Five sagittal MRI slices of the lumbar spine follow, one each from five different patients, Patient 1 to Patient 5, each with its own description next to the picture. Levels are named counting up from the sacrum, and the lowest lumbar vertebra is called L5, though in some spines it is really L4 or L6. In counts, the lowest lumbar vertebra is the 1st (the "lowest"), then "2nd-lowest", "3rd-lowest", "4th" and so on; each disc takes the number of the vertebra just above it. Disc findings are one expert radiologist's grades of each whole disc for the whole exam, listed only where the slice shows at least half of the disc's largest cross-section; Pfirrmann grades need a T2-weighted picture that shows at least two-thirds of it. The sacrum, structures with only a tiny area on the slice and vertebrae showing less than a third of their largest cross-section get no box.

Patient 1 of 5:
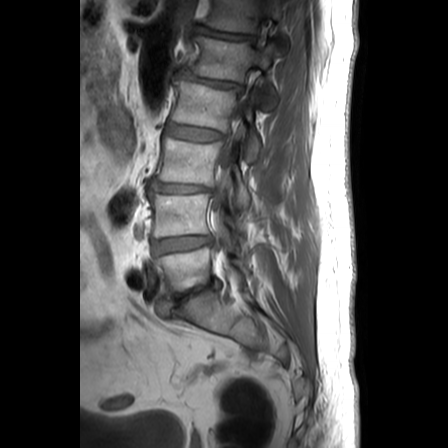 Lumbar spine MR, T1-weighted, sagittal. Sagittal slice index 15. Image 448x448.
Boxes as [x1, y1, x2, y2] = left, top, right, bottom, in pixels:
Structures:
* L5 = [154, 246, 249, 298]
* L4 vertebra = [149, 193, 241, 238]
* disc L2/L3 = [165, 124, 222, 140]
* disc L3/L4 = [151, 180, 212, 192]
* disc L1/L2 = [180, 71, 241, 90]
* L3 vertebra = [156, 137, 249, 211]
* disc L4/L5 = [151, 236, 210, 254]
* L1 = [189, 36, 276, 109]
* spinal canal = [210, 149, 230, 239]
* L2 = [171, 79, 259, 162]
* L5/S1 = [159, 279, 219, 317]
* T12/L1 = [196, 26, 253, 39]
* T12 vertebra = [205, 0, 287, 54]

Radiological gradings:
  T12/L1: disc narrowing, disc bulging
  L1/L2: disc narrowing, disc bulging
  L3/L4: disc herniation, disc narrowing
  L4/L5: disc bulging
  L5/S1: disc narrowing, disc bulging
  L2/L3: no herniation, bulging, narrowing, spondylolisthesis, endplate or Modic change recorded

Patient 2 of 5:
T2 SPACE (3D) sagittal MRI of the lumbar spine 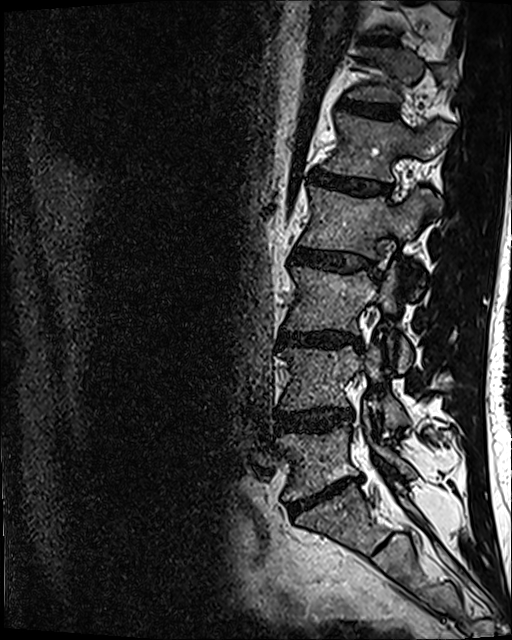

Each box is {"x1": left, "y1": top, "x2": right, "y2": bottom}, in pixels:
{"intervertebral disc L3/L4": {"x1": 278, "y1": 331, "x2": 361, "y2": 346}, "T11/T12": {"x1": 366, "y1": 35, "x2": 390, "y2": 45}, "L4 vertebra": {"x1": 279, "y1": 346, "x2": 408, "y2": 434}, "L2/L3": {"x1": 291, "y1": 248, "x2": 372, "y2": 271}, "L3 vertebra": {"x1": 286, "y1": 266, "x2": 410, "y2": 373}, "T12/L1": {"x1": 340, "y1": 100, "x2": 398, "y2": 118}, "T12": {"x1": 348, "y1": 47, "x2": 455, "y2": 101}, "L1 vertebra": {"x1": 325, "y1": 112, "x2": 453, "y2": 181}, "L5": {"x1": 276, "y1": 408, "x2": 415, "y2": 499}, "intervertebral disc L4/L5": {"x1": 276, "y1": 408, "x2": 351, "y2": 431}, "intervertebral disc L5/S1": {"x1": 289, "y1": 474, "x2": 360, "y2": 513}, "L2 vertebra": {"x1": 300, "y1": 187, "x2": 436, "y2": 295}, "intervertebral disc L1/L2": {"x1": 311, "y1": 170, "x2": 391, "y2": 194}}

Degenerative findings by level:
  L4/L5: Pfirrmann grade 3, disc narrowing, disc bulging
  L2/L3: Pfirrmann grade 3, disc bulging
  L3/L4: Pfirrmann grade 4, lower-endplate change, disc narrowing, disc bulging
  L1/L2: Pfirrmann grade 4
  L5/S1: disc narrowing, Modic type II, disc bulging
  T12/L1: Pfirrmann grade 3

Patient 3 of 5:
Slice 18/20. Sagittal T2-weighted lumbar spine MRI.
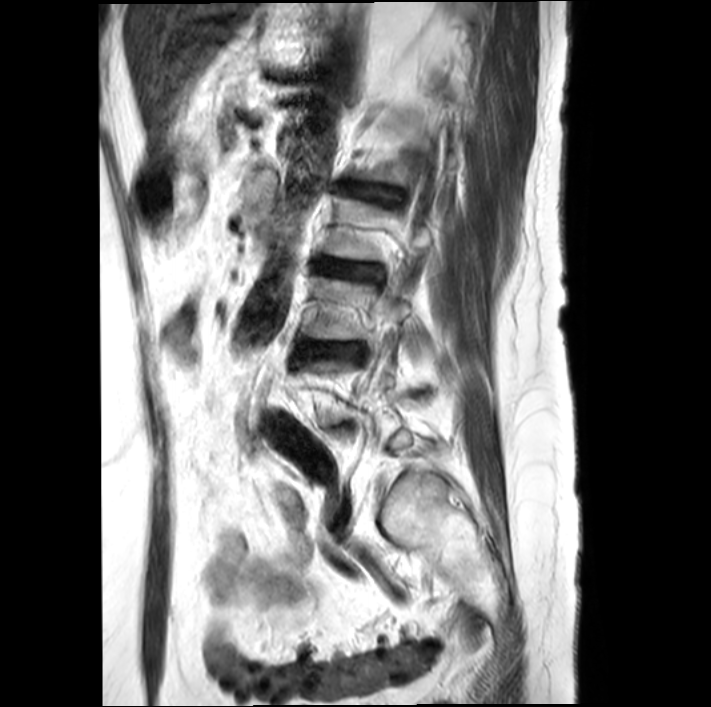

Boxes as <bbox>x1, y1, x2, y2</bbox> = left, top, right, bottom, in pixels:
Structures:
- L3/L4 at <bbox>302, 343, 361, 357</bbox>
- L2 vertebra at <bbox>324, 197, 432, 260</bbox>
- disc L1/L2 at <bbox>341, 183, 400, 203</bbox>
- disc L2/L3 at <bbox>316, 259, 381, 278</bbox>

Degenerative findings by level:
  L1/L2: Pfirrmann grade 3, lower-endplate change, Modic type II
  L2/L3: Pfirrmann grade 3, Modic type II, upper-endplate change

Patient 4 of 5:
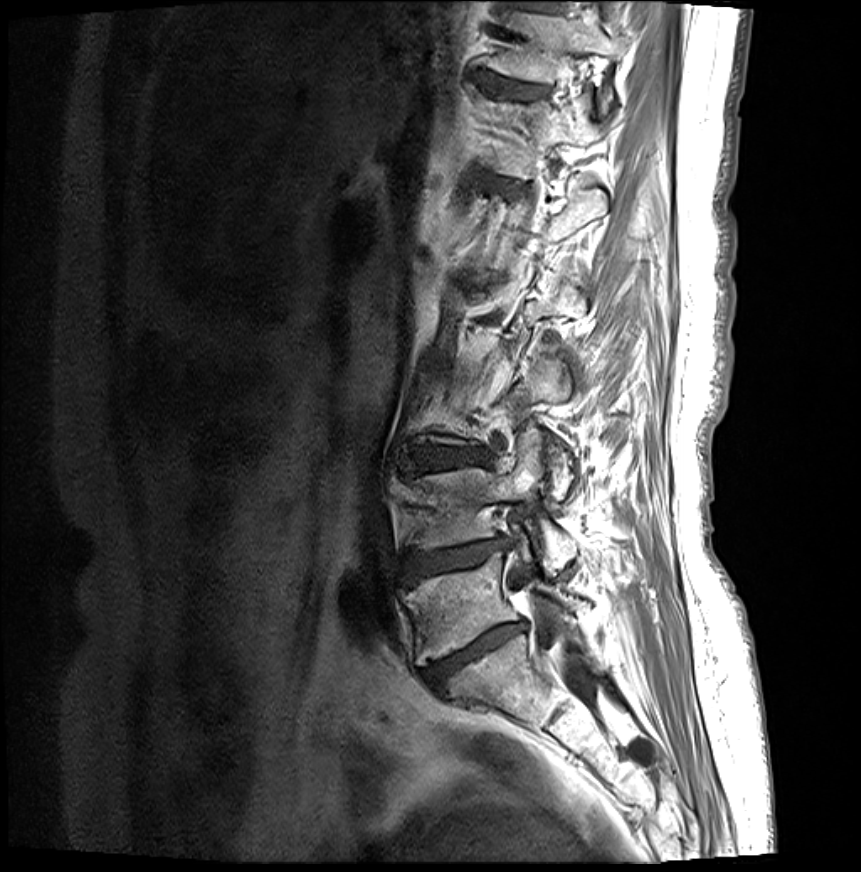 Patient sex: F; Lumbar spine MR, T1-weighted, sagittal
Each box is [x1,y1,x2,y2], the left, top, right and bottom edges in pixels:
{"L3/L4": "[419,448,482,468]", "spinal canal": "[516,574,591,693]", "L5": "[404,539,576,665]", "intervertebral disc T11/T12": "[486,82,545,100]", "T11": "[491,14,626,109]", "intervertebral disc L5/S1": "[425,622,524,689]", "intervertebral disc L4/L5": "[405,538,505,580]", "L4 vertebra": "[415,430,576,575]"}

Per-level radiological findings:
- L5/S1: upper-endplate change, lower-endplate change, disc bulging, Modic type II, disc narrowing
- T11/T12: upper-endplate change, lower-endplate change, Modic type II
- L4/L5: lower-endplate change, Modic type II, disc herniation, disc narrowing, upper-endplate change, disc bulging

Patient 5 of 5:
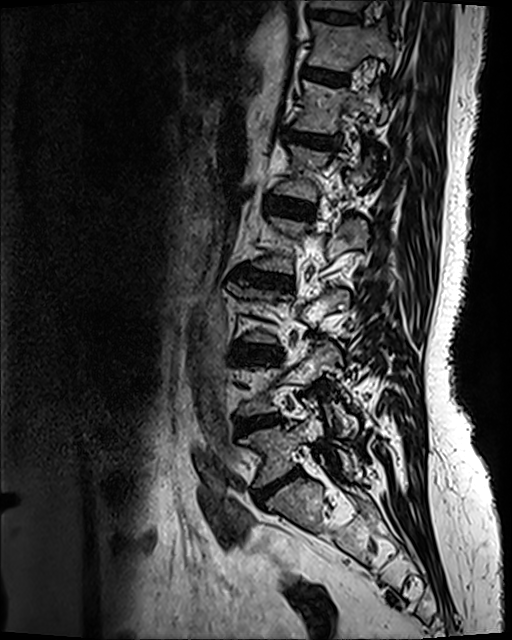

Field of view 240x300 mm, slice spacing 0.9 mm | Image 512x640 | Lumbar spine MR, T2 SPACE (3D), sagittal

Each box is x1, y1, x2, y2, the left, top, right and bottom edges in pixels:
7th disc: 302, 68, 347, 83.
4th vertebra: 256, 217, 366, 273.
5th disc: 263, 195, 315, 219.
2nd-lowest disc: 236, 414, 282, 432.
8th vertebra: 310, 0, 402, 29.
3rd-lowest disc: 232, 344, 279, 357.
Lowest disc: 255, 470, 299, 502.
4th disc: 232, 268, 292, 290.
6th disc: 286, 132, 339, 149.
8th disc: 310, 9, 359, 22.
7th vertebra: 308, 22, 393, 69.
Lowest vertebra: 241, 410, 351, 486.
6th vertebra: 294, 81, 386, 132.
5th vertebra: 275, 145, 368, 201.

Radiological gradings:
• 5th disc: Pfirrmann grade 2
• 6th disc: Pfirrmann grade 3, disc bulging
• 4th disc: Pfirrmann grade 4, lower-endplate change, upper-endplate change, disc bulging, Modic type II, disc narrowing
• 8th disc, 7th disc: no herniation, bulging, narrowing, spondylolisthesis, endplate or Modic change recorded